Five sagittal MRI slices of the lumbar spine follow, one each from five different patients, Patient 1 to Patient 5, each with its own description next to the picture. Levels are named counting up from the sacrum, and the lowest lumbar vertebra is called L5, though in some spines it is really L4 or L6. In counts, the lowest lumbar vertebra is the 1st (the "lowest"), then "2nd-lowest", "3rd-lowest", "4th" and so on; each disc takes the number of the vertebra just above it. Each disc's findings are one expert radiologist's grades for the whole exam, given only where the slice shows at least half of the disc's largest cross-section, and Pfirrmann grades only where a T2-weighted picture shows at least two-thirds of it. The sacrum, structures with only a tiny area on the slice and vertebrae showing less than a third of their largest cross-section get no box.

Patient 1 of 5:
T2-weighted sagittal MRI of the lumbar spine 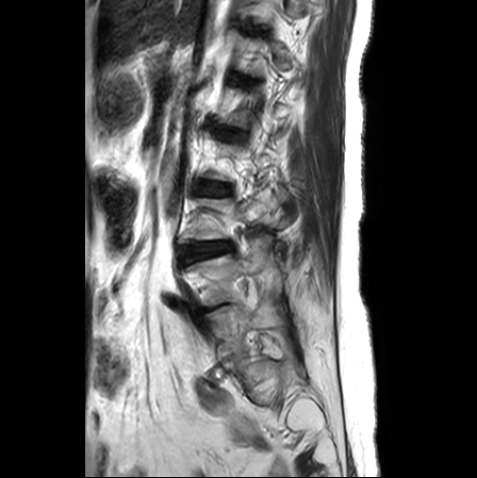
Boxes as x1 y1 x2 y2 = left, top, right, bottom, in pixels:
L5 — 207 301 281 366 | L2/L3 — 196 182 230 195 | L3 vertebra — 185 198 277 239 | IVD L1/L2 — 219 127 246 141 | L4 — 186 235 272 305 | L3/L4 — 183 242 232 262

Degenerative findings by level:
  L2/L3: disc bulging, lower-endplate change, upper-endplate change
  L1/L2: Pfirrmann grade 2, upper-endplate change, lower-endplate change
  L3/L4: Pfirrmann grade 3, lower-endplate change, upper-endplate change, Modic type II, disc bulging

Patient 2 of 5:
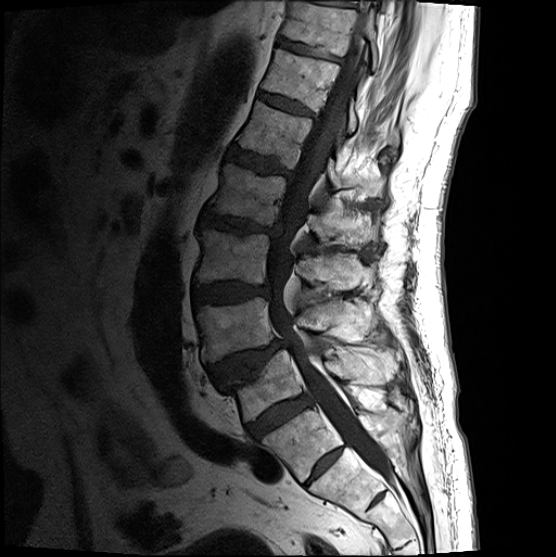

Sex M; Slice 10 of 20; Sagittal T1-weighted lumbar spine MRI

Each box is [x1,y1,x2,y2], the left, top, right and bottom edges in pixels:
5th disc at [228,149,293,179], 6th disc at [257,94,316,118], 7th vertebra at [282,1,377,71], 2nd-lowest vertebra at [195,299,377,364], lowest disc at [246,396,312,439], lowest vertebra at [226,352,397,423], 7th disc at [277,40,341,64], 3rd-lowest vertebra at [195,231,376,292], 4th vertebra at [208,165,380,251], 2nd-lowest disc at [207,341,289,387], spinal canal at [268,37,389,479], 5th vertebra at [238,104,384,202], 6th vertebra at [263,51,398,147], 4th disc at [199,212,281,239], 3rd-lowest disc at [192,284,270,307].

Per-level radiological findings:
  2nd-lowest disc: upper-endplate change, disc herniation, spondylolisthesis
  5th disc: upper-endplate change, lower-endplate change, disc bulging
  3rd-lowest disc: disc bulging
  7th disc: lower-endplate change
  4th disc: disc narrowing, lower-endplate change, disc bulging, upper-endplate change
  6th disc, lowest disc: no Modic or endplate change, herniation, narrowing, bulging or spondylolisthesis recorded

Patient 3 of 5:
Scanner: Philips Healthcare Ingenia (3T), MRI lumbar spine (T1-weighted), sagittal plane

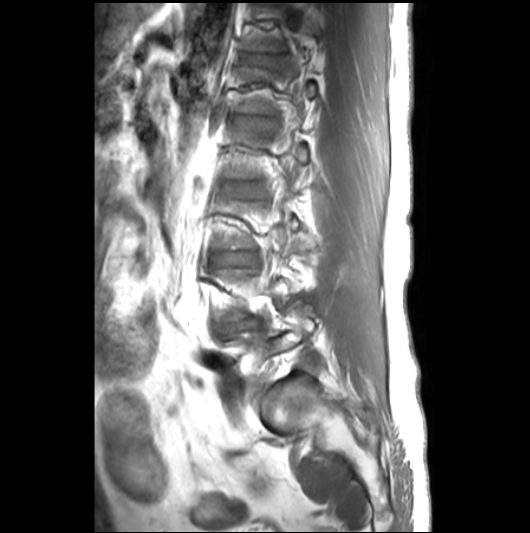 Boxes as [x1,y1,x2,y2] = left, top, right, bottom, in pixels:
Structures:
- 4th disc — [227,182,260,198]
- 6th disc — [242,54,277,65]
- 2nd-lowest disc — [214,316,265,332]
- 3rd-lowest disc — [213,252,254,263]
- 5th disc — [234,117,276,129]

Patient 4 of 5:
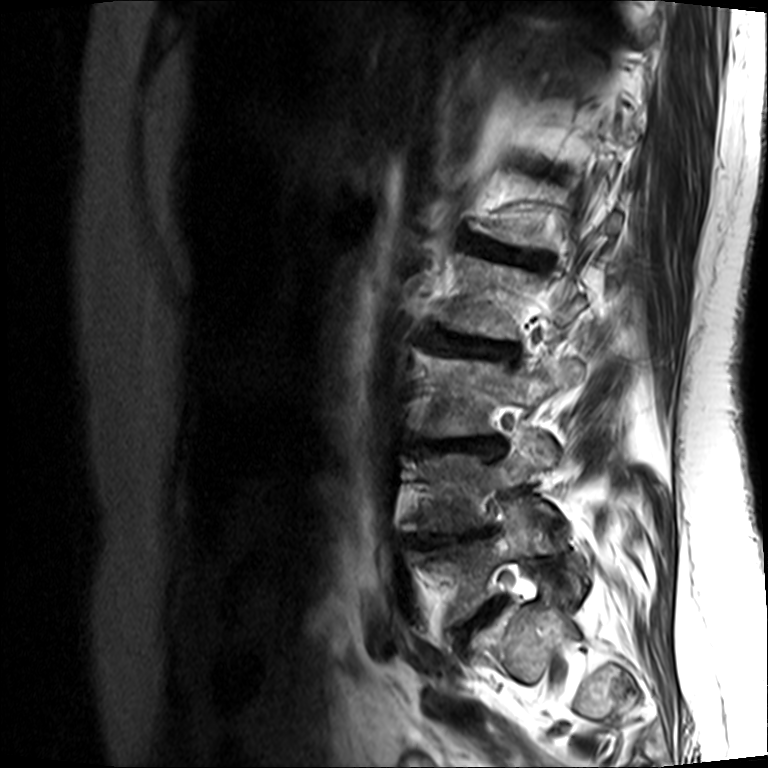
Sagittal T2-weighted lumbar spine MRI; Sex F; Sagittal slice index 2

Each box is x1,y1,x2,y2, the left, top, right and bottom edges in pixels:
Intervertebral disc L5/S1 (lowest disc) = 454,598,505,645.
L3/L4 (3rd-lowest disc) = 420,437,505,452.
L4 (2nd-lowest vertebra) = 425,432,558,517.
L2/L3 (4th disc) = 430,332,518,357.
L3 (3rd-lowest vertebra) = 425,357,580,434.
L5 (lowest vertebra) = 441,498,585,620.
Intervertebral disc L1/L2 (5th disc) = 468,234,550,265.
L2 (4th vertebra) = 444,254,587,338.

Degenerative findings by level:
• L1/L2 (5th disc): disc narrowing, disc bulging, lower-endplate change, Modic type II, upper-endplate change
• L2/L3 (4th disc): Pfirrmann grade 3, upper-endplate change, lower-endplate change, disc narrowing, disc bulging, Modic type II

Patient 5 of 5:
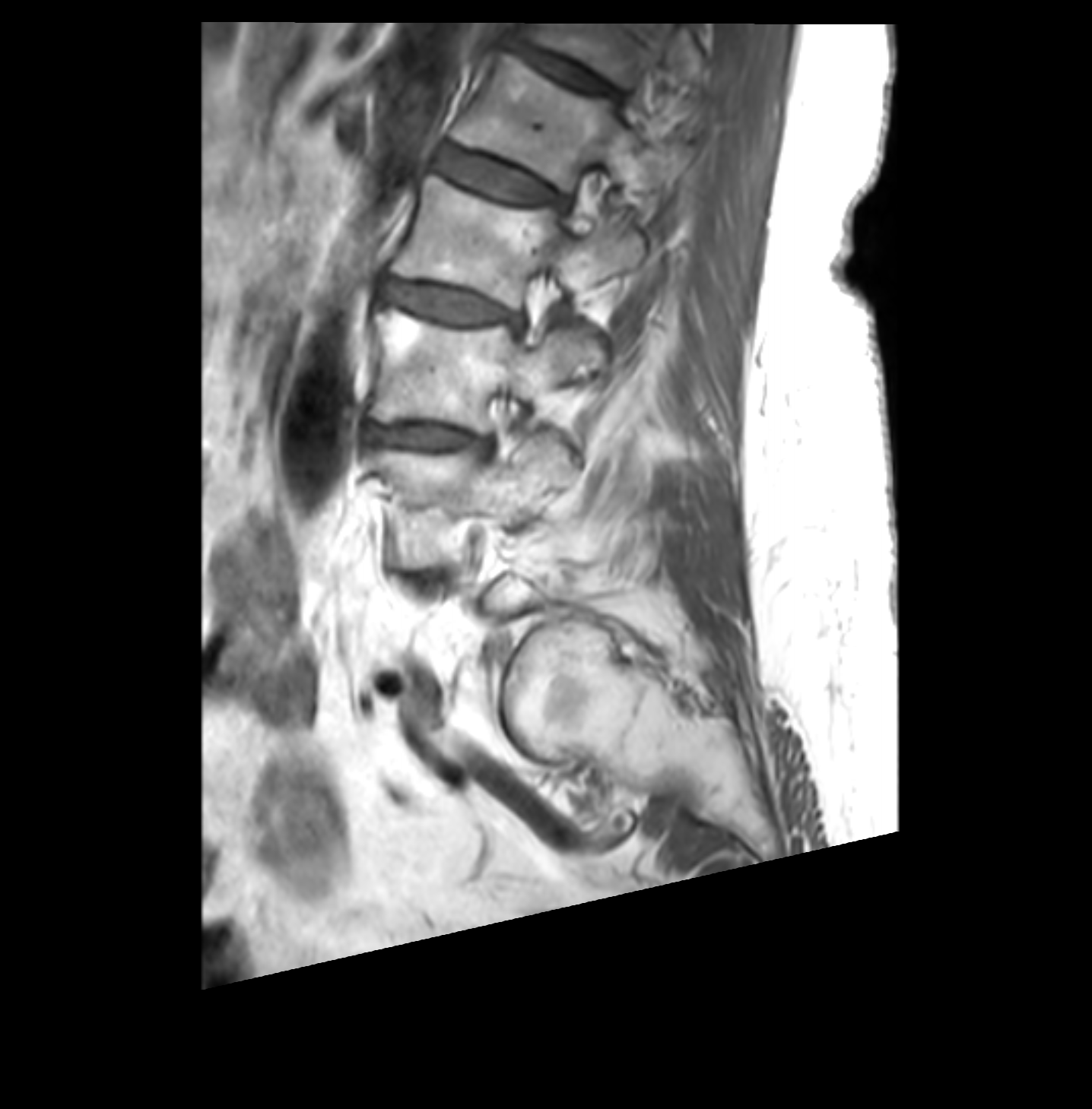

Lumbar spine MR, T1-weighted, sagittal, Field of view 283x287 mm
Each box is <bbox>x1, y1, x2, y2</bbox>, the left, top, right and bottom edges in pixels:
Segmented structures:
* L3 at <bbox>370, 306, 609, 432</bbox>
* L1 at <bbox>452, 52, 693, 191</bbox>
* L3/L4 at <bbox>364, 423, 494, 454</bbox>
* L1/L2 at <bbox>437, 147, 563, 204</bbox>
* T12 vertebra at <bbox>522, 21, 652, 85</bbox>
* intervertebral disc T12/L1 at <bbox>515, 43, 614, 95</bbox>
* L4 vertebra at <bbox>368, 435, 571, 566</bbox>
* L2 vertebra at <bbox>389, 175, 642, 309</bbox>
* L2/L3 at <bbox>385, 279, 522, 329</bbox>

Radiological gradings:
  T12/L1: disc bulging
  L2/L3: Modic type II, disc bulging
  L1/L2: Modic type II
  L3/L4: disc bulging, disc narrowing, Modic type II